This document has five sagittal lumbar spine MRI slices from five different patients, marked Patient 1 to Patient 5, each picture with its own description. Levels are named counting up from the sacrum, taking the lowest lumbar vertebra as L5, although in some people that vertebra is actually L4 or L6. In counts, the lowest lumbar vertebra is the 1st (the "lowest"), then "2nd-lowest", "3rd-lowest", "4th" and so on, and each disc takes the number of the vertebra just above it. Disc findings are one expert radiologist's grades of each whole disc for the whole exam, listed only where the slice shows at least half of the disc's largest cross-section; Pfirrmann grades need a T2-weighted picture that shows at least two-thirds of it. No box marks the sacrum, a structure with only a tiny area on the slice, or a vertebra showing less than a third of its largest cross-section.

Patient 1 of 5:
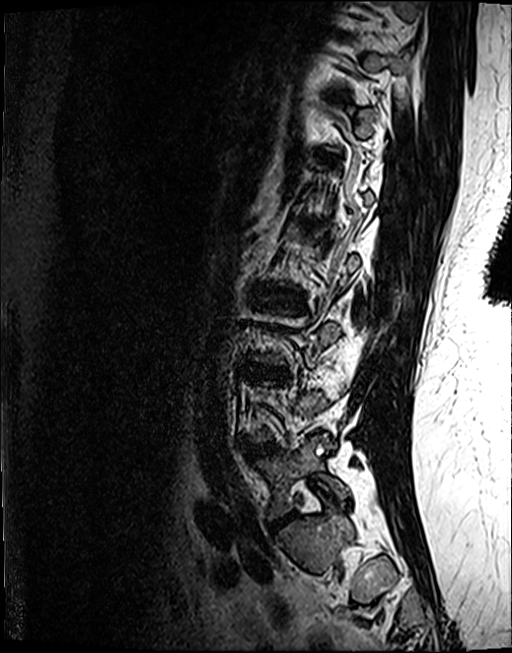

MRI lumbar spine (T2 SPACE (3D)), sagittal plane | Patient sex: F
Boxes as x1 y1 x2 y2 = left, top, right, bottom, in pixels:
Disc L3/L4 = 255 368 275 375.
L4/L5 = 258 443 276 453.
L5 = 256 433 347 519.
L5/S1 = 269 512 296 532.

Patient 2 of 5:
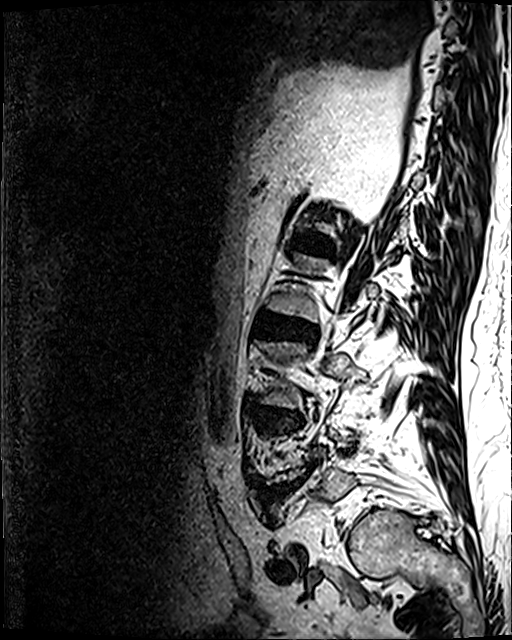

Image 512x640, T2 SPACE (3D) sagittal MRI of the lumbar spine
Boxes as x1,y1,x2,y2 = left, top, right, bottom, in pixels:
3rd-lowest disc = 272,415,299,426 | 4th disc = 268,317,314,337 | 2nd-lowest disc = 264,483,294,506

Patient 3 of 5:
T1-weighted sagittal MRI of the lumbar spine | Image 752x748 | Patient sex: F | Slice 12/21 | Slice spacing 4.4 mm

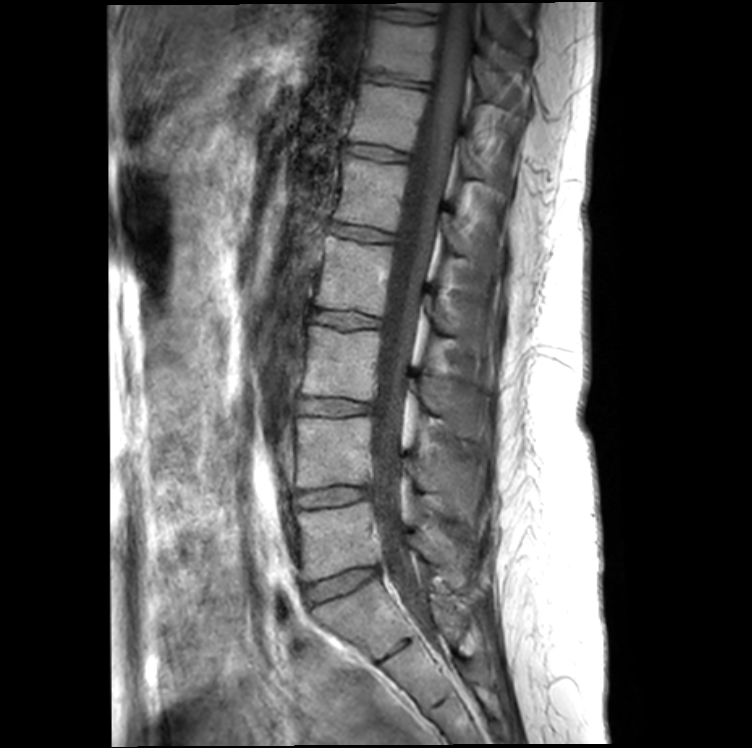

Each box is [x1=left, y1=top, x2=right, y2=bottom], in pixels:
Annotations:
• L2 vertebra: [x1=316, y1=237, x2=494, y2=351]
• T11: [x1=364, y1=19, x2=496, y2=99]
• L2/L3: [x1=312, y1=309, x2=381, y2=329]
• thecal sac / spinal canal: [x1=372, y1=3, x2=475, y2=622]
• L3: [x1=303, y1=325, x2=488, y2=439]
• L5 vertebra: [x1=296, y1=501, x2=473, y2=582]
• L5/S1: [x1=304, y1=566, x2=378, y2=604]
• T12: [x1=349, y1=84, x2=483, y2=176]
• L3/L4: [x1=299, y1=398, x2=373, y2=415]
• disc L1/L2: [x1=330, y1=223, x2=395, y2=242]
• disc T10/T11: [x1=374, y1=8, x2=441, y2=22]
• L1 vertebra: [x1=333, y1=155, x2=499, y2=263]
• L4 vertebra: [x1=296, y1=417, x2=480, y2=507]
• disc T12/L1: [x1=346, y1=145, x2=408, y2=162]
• L4/L5: [x1=296, y1=487, x2=370, y2=507]
• T11/T12: [x1=362, y1=72, x2=429, y2=89]
• T10 vertebra: [x1=387, y1=3, x2=505, y2=34]

Expert MSK radiologist gradings (per disc):
  L5/S1: lower-endplate change
  T11/T12: disc bulging, lower-endplate change
  L2/L3, T10/T11, L1/L2, T12/L1, L3/L4, L4/L5: no herniation, bulging, narrowing, spondylolisthesis, endplate or Modic change recorded

Patient 4 of 5:
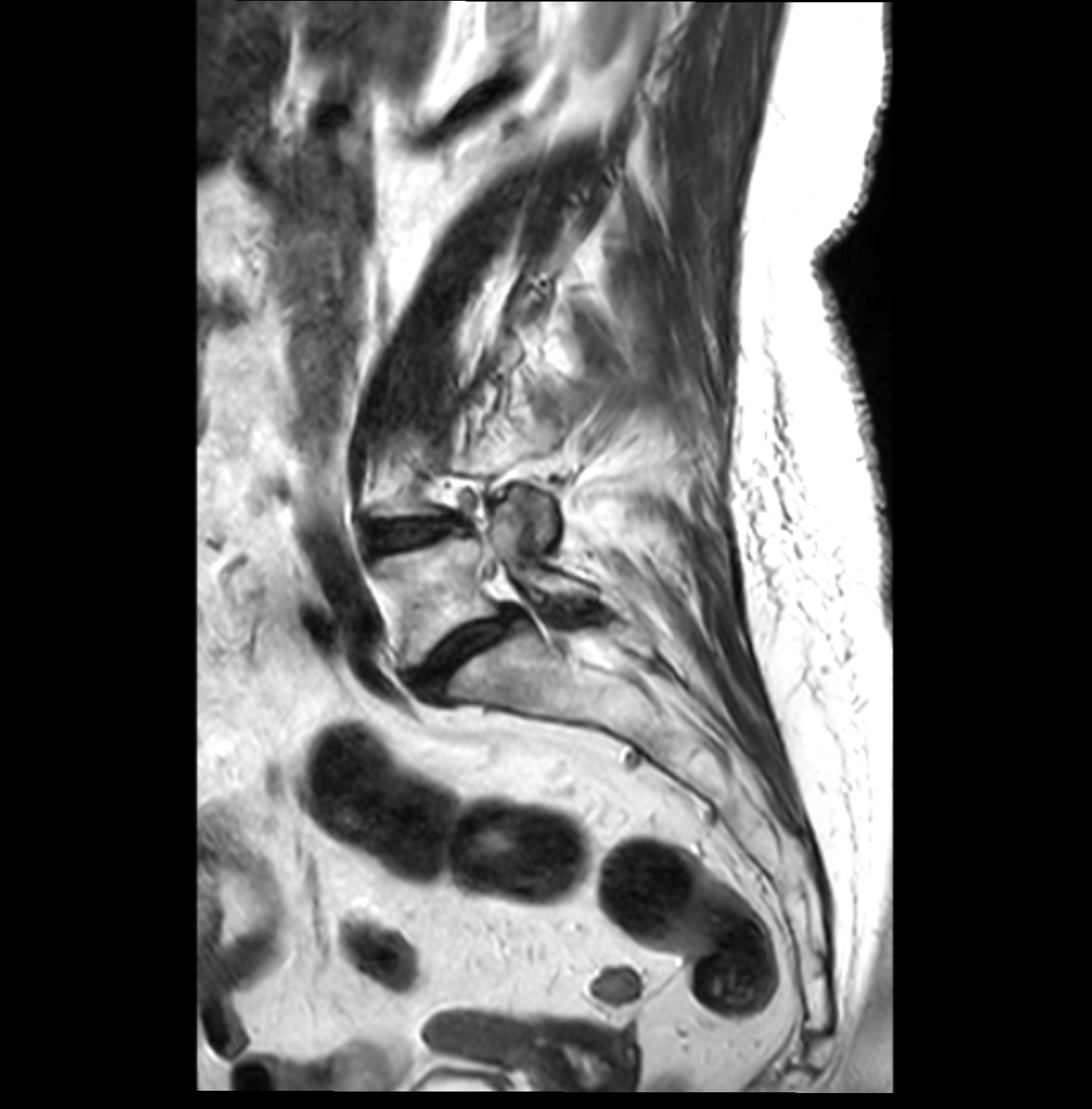 Sex F; T2-weighted sagittal MRI of the lumbar spine; Image 1092x1109

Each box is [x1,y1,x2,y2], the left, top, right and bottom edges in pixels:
IVD L4/L5: [372,518,463,548].
IVD L5/S1: [415,608,518,694].
L5: [378,502,593,664].

Degenerative findings by level:
• L4/L5: disc narrowing, disc bulging, Modic type II
• L5/S1: Pfirrmann grade 4, Modic type II, disc bulging, spondylolisthesis, disc narrowing

Patient 5 of 5:
Scanner: Philips Healthcare Ingenia (3T) | Image 448x451 | T2-weighted sagittal MRI of the lumbar spine | Slice spacing 3.3 mm | Sagittal slice index 7
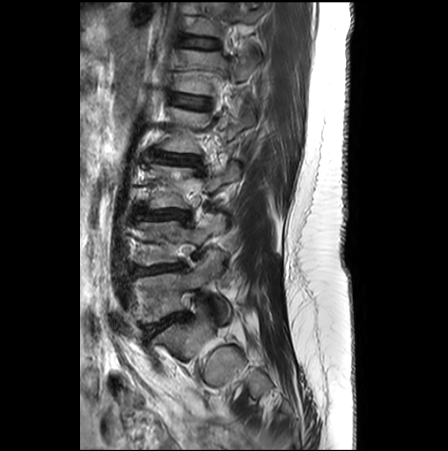

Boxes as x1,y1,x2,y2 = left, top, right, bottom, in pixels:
Annotations:
* 6th disc: 184,38,217,48
* 2nd-lowest disc: 135,263,182,274
* lowest vertebra: 133,259,226,322
* 5th vertebra: 176,51,257,95
* 2nd-lowest vertebra: 136,214,225,265
* 3rd-lowest vertebra: 149,162,240,207
* 4th vertebra: 161,107,255,152
* 3rd-lowest disc: 141,209,187,219
* 6th vertebra: 191,0,259,35
* lowest disc: 145,314,182,336
* 4th disc: 155,152,196,165
* 5th disc: 172,94,209,108

Radiological gradings:
- 3rd-lowest disc: Modic type II, disc bulging
- 2nd-lowest disc: Modic type II, disc narrowing, upper-endplate change, disc bulging
- 5th disc: Pfirrmann grade 1
- lowest disc: disc narrowing, disc bulging, Modic type II
- 4th disc: Pfirrmann grade 2, disc bulging, disc narrowing
- 6th disc: no herniation, bulging, narrowing, spondylolisthesis, endplate or Modic change recorded